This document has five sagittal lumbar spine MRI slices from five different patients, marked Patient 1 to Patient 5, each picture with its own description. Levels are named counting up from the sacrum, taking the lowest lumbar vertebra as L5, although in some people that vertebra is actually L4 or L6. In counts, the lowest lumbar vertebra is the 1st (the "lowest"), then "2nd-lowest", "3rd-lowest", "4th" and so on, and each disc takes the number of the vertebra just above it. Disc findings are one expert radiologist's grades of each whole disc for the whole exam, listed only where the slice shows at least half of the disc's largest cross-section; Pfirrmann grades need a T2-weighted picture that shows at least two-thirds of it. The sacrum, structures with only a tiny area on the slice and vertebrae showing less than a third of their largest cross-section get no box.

Patient 1 of 5:
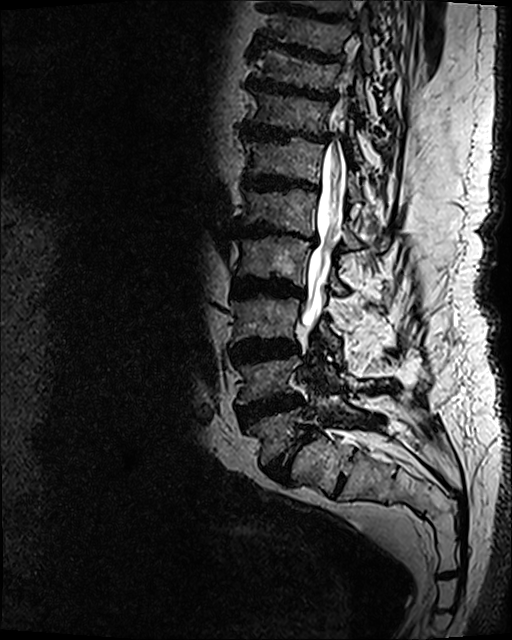

T2 SPACE (3D) sagittal MRI of the lumbar spine

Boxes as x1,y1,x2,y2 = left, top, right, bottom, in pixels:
T11/T12: 241,121,329,143.
L2: 236,234,348,295.
T10 vertebra: 256,48,368,115.
L3 vertebra: 230,296,340,350.
IVD T10/T11: 247,75,335,103.
L5/S1: 265,427,313,482.
L4 vertebra: 237,341,339,404.
L5: 246,390,365,464.
L1/L2: 231,224,316,246.
IVD T12/L1: 243,173,318,192.
L1 vertebra: 240,187,390,249.
T11 vertebra: 249,89,362,162.
T12 vertebra: 245,137,362,201.
Thecal sac / spinal canal: 302,30,358,331.
T9/T10: 249,44,344,64.
IVD L2/L3: 231,277,303,297.
L4/L5: 234,394,305,427.
IVD L3/L4: 229,339,299,363.

Radiological gradings:
- L4/L5: Pfirrmann grade 5, disc narrowing, lower-endplate change, Modic type II, disc bulging, upper-endplate change
- L2/L3: Pfirrmann grade 5, lower-endplate change, upper-endplate change, Modic type II, disc bulging, disc narrowing
- T12/L1: Pfirrmann grade 5, disc bulging, Modic type II, lower-endplate change, upper-endplate change, disc narrowing
- L3/L4: Pfirrmann grade 5, upper-endplate change, disc bulging, disc narrowing, lower-endplate change, Modic type II
- T10/T11: Pfirrmann grade 5, disc bulging, upper-endplate change, Modic type II, lower-endplate change, disc narrowing
- L5/S1: Pfirrmann grade 5, disc bulging, spondylolisthesis, Modic type II, lower-endplate change, upper-endplate change, disc narrowing
- L1/L2: disc bulging, Modic type II, upper-endplate change, lower-endplate change, disc narrowing
- T11/T12: Pfirrmann grade 5, disc narrowing, lower-endplate change, upper-endplate change, Modic type II, disc bulging
- T9/T10: Pfirrmann grade 5, disc narrowing, upper-endplate change, disc bulging, Modic type II, lower-endplate change

Patient 2 of 5:
Sagittal T2-weighted lumbar spine MRI, Slice spacing 4.3 mm, Sex F, Image 768x785

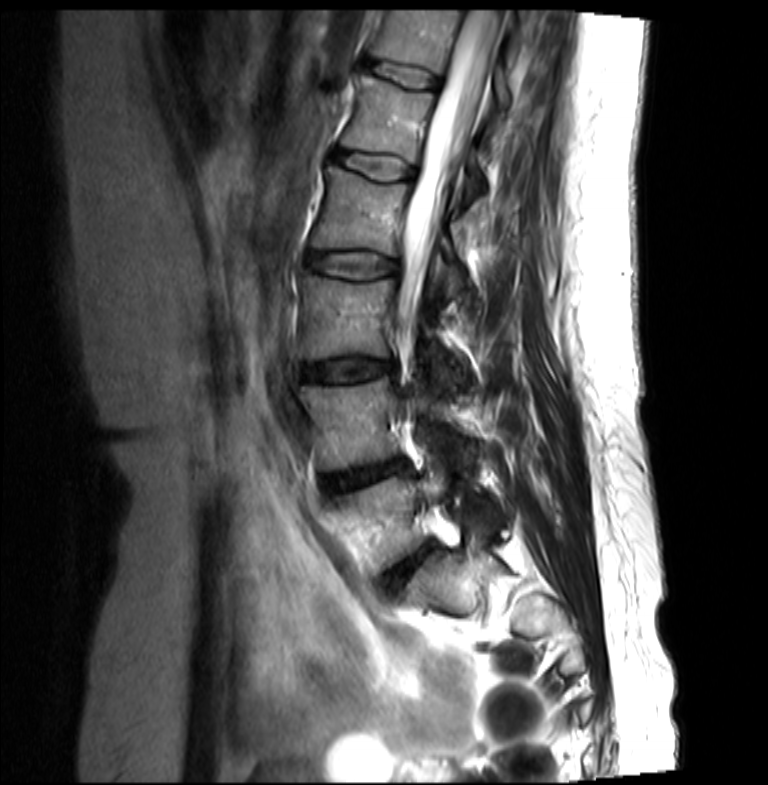

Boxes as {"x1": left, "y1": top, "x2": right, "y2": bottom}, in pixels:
• 5th disc: {"x1": 333, "y1": 149, "x2": 414, "y2": 181}
• 6th disc: {"x1": 364, "y1": 61, "x2": 440, "y2": 87}
• lowest vertebra: {"x1": 331, "y1": 455, "x2": 496, "y2": 570}
• 2nd-lowest disc: {"x1": 328, "y1": 462, "x2": 403, "y2": 489}
• 4th vertebra: {"x1": 312, "y1": 167, "x2": 465, "y2": 297}
• 4th disc: {"x1": 308, "y1": 253, "x2": 398, "y2": 279}
• 2nd-lowest vertebra: {"x1": 298, "y1": 374, "x2": 471, "y2": 469}
• spinal canal: {"x1": 400, "y1": 10, "x2": 501, "y2": 322}
• 5th vertebra: {"x1": 341, "y1": 76, "x2": 483, "y2": 196}
• lowest disc: {"x1": 387, "y1": 543, "x2": 432, "y2": 587}
• 3rd-lowest vertebra: {"x1": 301, "y1": 273, "x2": 462, "y2": 385}
• 6th vertebra: {"x1": 369, "y1": 10, "x2": 511, "y2": 108}
• 3rd-lowest disc: {"x1": 303, "y1": 359, "x2": 393, "y2": 380}

Expert MSK radiologist gradings (per disc):
- 6th disc: Pfirrmann grade 2
- 3rd-lowest disc: Pfirrmann grade 2, disc bulging
- 5th disc: Pfirrmann grade 2
- 4th disc: Pfirrmann grade 2

Patient 3 of 5:
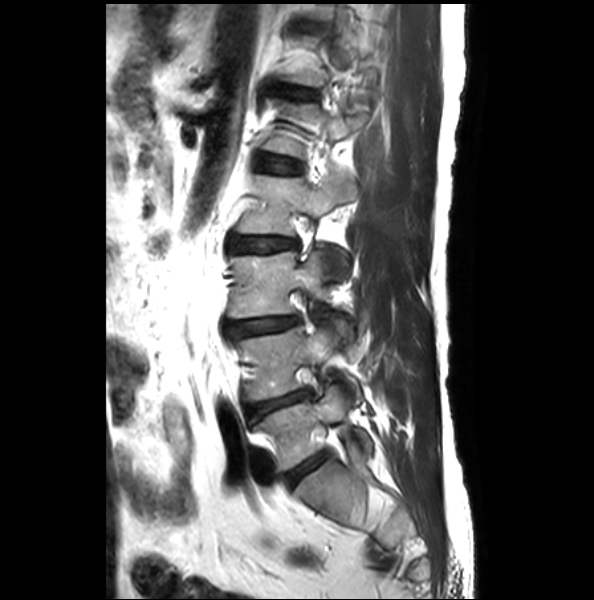

Image 594x600 | MRI lumbar spine (T2-weighted), sagittal plane
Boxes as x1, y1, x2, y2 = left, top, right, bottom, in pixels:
L3 at 228, 249, 356, 342; L4 vertebra at 235, 325, 361, 402; L5 at 253, 384, 372, 471; L2/L3 at 229, 237, 297, 252; T12/L1 at 277, 85, 312, 98; IVD L3/L4 at 225, 316, 297, 337; IVD L1/L2 at 261, 156, 299, 173; L2 vertebra at 237, 175, 356, 279; IVD L4/L5 at 247, 389, 312, 417; IVD L5/S1 at 284, 454, 325, 487.

Per-level radiological findings:
• L3/L4: Pfirrmann grade 2, disc narrowing, disc bulging
• L1/L2: upper-endplate change
• L2/L3: Pfirrmann grade 2, disc bulging, disc narrowing
• L4/L5: lower-endplate change, disc bulging, disc narrowing
• T12/L1: upper-endplate change, disc bulging

Patient 4 of 5:
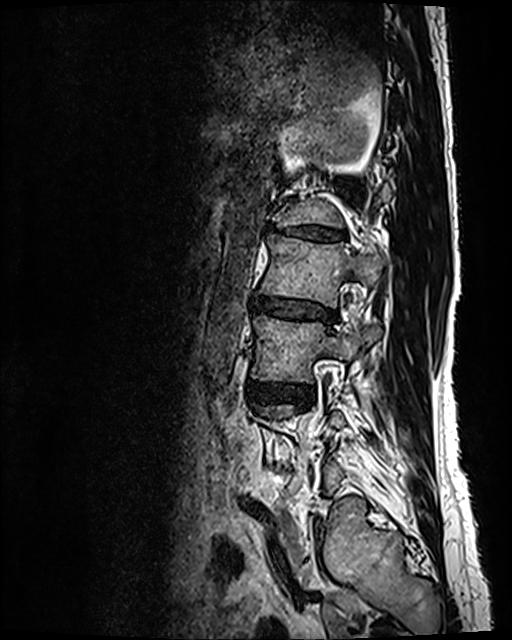
Sagittal slice index 32; Sex F; Sagittal T2 SPACE (3D) lumbar spine MRI

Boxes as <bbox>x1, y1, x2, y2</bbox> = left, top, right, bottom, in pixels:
Structures:
* 4th vertebra — <bbox>259, 234, 385, 307</bbox>
* 5th disc — <bbox>269, 225, 345, 240</bbox>
* 4th disc — <bbox>253, 296, 336, 324</bbox>
* 3rd-lowest disc — <bbox>248, 382, 310, 402</bbox>
* 3rd-lowest vertebra — <bbox>252, 315, 381, 382</bbox>

Degenerative findings by level:
- 4th disc: Pfirrmann grade 3, disc narrowing, disc bulging
- 5th disc: Pfirrmann grade 5, Modic type II, upper-endplate change, lower-endplate change, disc bulging, disc narrowing
- 3rd-lowest disc: Pfirrmann grade 3, disc bulging

Patient 5 of 5:
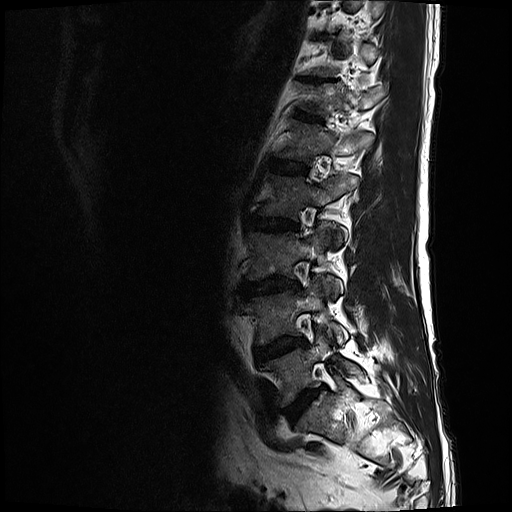
Sagittal slice index 3. Sex M. T2-weighted sagittal MRI of the lumbar spine.
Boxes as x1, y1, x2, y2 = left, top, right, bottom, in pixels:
* L3/L4: 238, 277, 301, 296
* IVD L1/L2: 269, 159, 308, 173
* T12: 298, 83, 387, 113
* L5/S1: 284, 387, 320, 422
* T11/T12: 305, 77, 325, 81
* L1: 281, 119, 373, 162
* T12/L1: 295, 111, 323, 121
* L4 vertebra: 238, 278, 346, 344
* L2/L3: 250, 216, 299, 232
* L5: 262, 335, 359, 406
* L2: 258, 172, 357, 246
* L4/L5: 254, 337, 306, 361
* L3: 246, 223, 341, 298

Degenerative findings by level:
  L3/L4: Pfirrmann grade 4, disc narrowing, Modic type II, disc bulging
  L2/L3: Modic type II, disc bulging
  L4/L5: Pfirrmann grade 3, disc bulging, Modic type II
  L5/S1: Pfirrmann grade 4, disc narrowing, disc bulging
  L1/L2: no herniation, bulging, narrowing, spondylolisthesis, endplate or Modic change recorded